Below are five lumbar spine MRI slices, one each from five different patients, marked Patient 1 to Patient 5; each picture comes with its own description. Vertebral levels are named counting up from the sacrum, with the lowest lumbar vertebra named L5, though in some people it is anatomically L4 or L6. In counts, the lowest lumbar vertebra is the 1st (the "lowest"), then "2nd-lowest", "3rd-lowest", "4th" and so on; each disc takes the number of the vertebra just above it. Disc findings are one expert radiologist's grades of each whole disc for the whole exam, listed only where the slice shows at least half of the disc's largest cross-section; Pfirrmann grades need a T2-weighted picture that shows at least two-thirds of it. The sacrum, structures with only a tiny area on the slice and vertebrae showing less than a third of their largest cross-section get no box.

Patient 1 of 5:
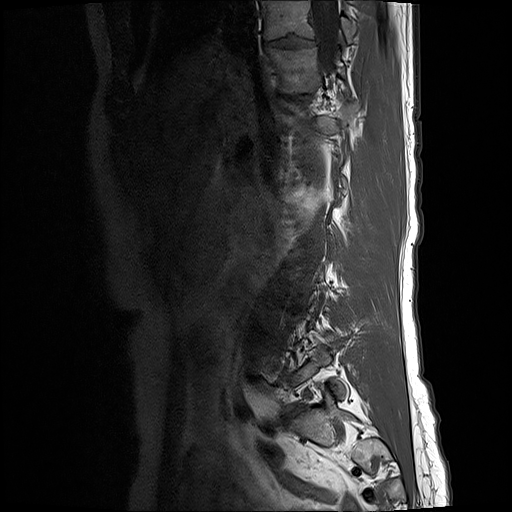

Field of view 300x300 mm | Sagittal slice index 22 | MRI lumbar spine (T1-weighted), sagittal plane
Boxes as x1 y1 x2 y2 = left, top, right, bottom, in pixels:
Spinal canal: 314 1 340 70.
Lowest disc: 285 407 300 420.
7th disc: 285 96 309 102.
8th vertebra: 261 1 350 42.
8th disc: 264 38 315 49.
7th vertebra: 268 48 344 94.

Degenerative findings by level:
- 8th disc: disc bulging, disc narrowing

Patient 2 of 5:
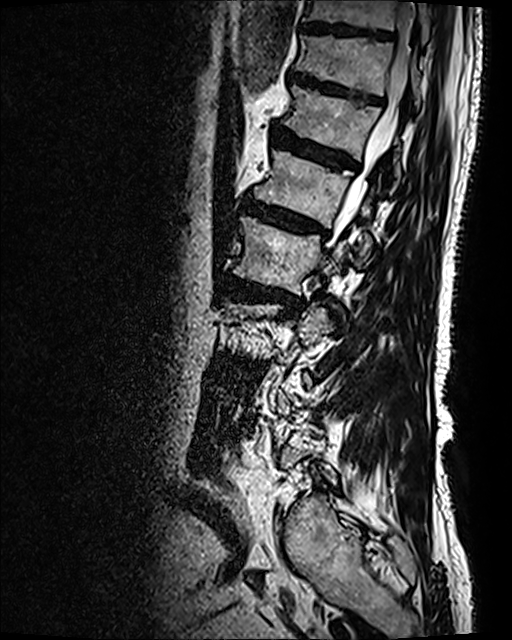 Lumbar spine MR, T2 SPACE (3D), sagittal | Slice 95 of 120
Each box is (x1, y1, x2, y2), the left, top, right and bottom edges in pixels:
{"intervertebral disc L2/L3": "(224, 274, 299, 309)", "T12": "(284, 85, 400, 177)", "spinal canal": "(335, 1, 413, 238)", "L1 vertebra": "(255, 151, 373, 252)", "L1/L2": "(243, 197, 328, 235)", "intervertebral disc T11/T12": "(289, 69, 383, 104)", "T10": "(303, 0, 429, 43)", "T11 vertebra": "(295, 36, 422, 108)", "L2 vertebra": "(233, 216, 347, 307)", "intervertebral disc T10/T11": "(301, 22, 392, 40)", "intervertebral disc T12/L1": "(272, 126, 359, 170)"}

Expert MSK radiologist gradings (per disc):
  L2/L3: Pfirrmann grade 4, Modic type I, disc narrowing, lower-endplate change, upper-endplate change, disc bulging
  T11/T12: Pfirrmann grade 4, lower-endplate change, disc bulging, upper-endplate change
  T10/T11: Pfirrmann grade 3
  L1/L2: Pfirrmann grade 4, lower-endplate change, Modic type II, disc bulging, upper-endplate change
  T12/L1: Pfirrmann grade 4, upper-endplate change, Modic type II, lower-endplate change, disc bulging

Patient 3 of 5:
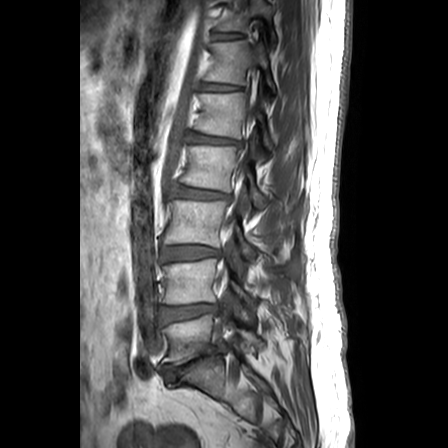 MRI lumbar spine (T1-weighted), sagittal plane | Sagittal slice index 8 | 448x448 px

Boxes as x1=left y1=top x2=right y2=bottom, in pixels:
- 6th disc — x1=203 y1=83 x2=238 y2=90
- 4th disc — x1=172 y1=186 x2=229 y2=199
- lowest disc — x1=164 y1=345 x2=225 y2=380
- 5th vertebra — x1=195 y1=91 x2=273 y2=149
- 5th disc — x1=189 y1=134 x2=237 y2=143
- 6th vertebra — x1=206 y1=35 x2=276 y2=93
- lowest vertebra — x1=164 y1=314 x2=263 y2=365
- 4th vertebra — x1=180 y1=130 x2=266 y2=208
- 7th disc — x1=213 y1=34 x2=238 y2=39
- spinal canal — x1=221 y1=100 x2=255 y2=278
- 7th vertebra — x1=218 y1=0 x2=276 y2=43
- 3rd-lowest vertebra — x1=164 y1=200 x2=256 y2=258
- 2nd-lowest disc — x1=163 y1=304 x2=217 y2=322
- 2nd-lowest vertebra — x1=163 y1=259 x2=255 y2=307
- 3rd-lowest disc — x1=163 y1=246 x2=218 y2=260

Degenerative findings by level:
- 5th disc: disc bulging, upper-endplate change, lower-endplate change, Modic type II
- 4th disc: disc bulging
- 3rd-lowest disc: disc bulging
- lowest disc: disc herniation, lower-endplate change, spondylolisthesis, upper-endplate change, disc narrowing, disc bulging, Modic type II
- 2nd-lowest disc: disc narrowing, disc bulging
- 7th disc, 6th disc: no herniation, bulging, narrowing, spondylolisthesis, endplate or Modic change recorded

Patient 4 of 5:
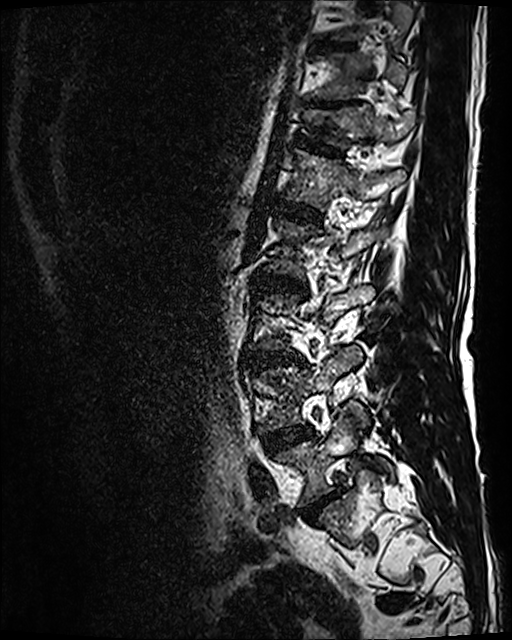 Sagittal T2 SPACE (3D) lumbar spine MRI
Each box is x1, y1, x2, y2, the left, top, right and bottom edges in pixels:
Disc T10/T11 = 327, 44, 348, 48.
Disc T11/T12 = 317, 101, 348, 106.
L5 vertebra = 277, 413, 391, 505.
L1 vertebra = 283, 150, 405, 209.
T12/L1 = 298, 137, 341, 156.
Disc L5/S1 = 302, 492, 338, 521.
Disc L1/L2 = 275, 203, 321, 223.
Disc L3/L4 = 250, 350, 301, 365.
L4/L5 = 264, 427, 312, 450.
T12 = 305, 107, 415, 148.
L4 vertebra = 261, 346, 361, 429.
T11 vertebra = 313, 53, 407, 98.
Disc L2/L3 = 254, 273, 306, 290.

Per-level radiological findings:
- L4/L5: Modic type II, disc bulging
- L1/L2: no herniation, bulging, narrowing, spondylolisthesis, endplate or Modic change recorded

Patient 5 of 5:
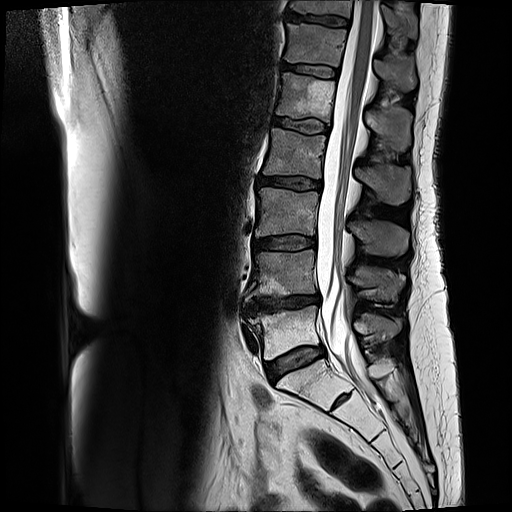
Sagittal T2-weighted lumbar spine MRI

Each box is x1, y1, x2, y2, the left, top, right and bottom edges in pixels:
{"6th vertebra": "286, 25, 416, 89", "4th disc": "258, 177, 321, 189", "5th vertebra": "277, 73, 413, 152", "thecal sac / spinal canal": "316, 0, 378, 371", "lowest vertebra": "247, 306, 401, 359", "7th vertebra": "290, 0, 417, 36", "lowest disc": "267, 346, 325, 382", "3rd-lowest disc": "255, 237, 315, 249", "4th vertebra": "264, 128, 411, 205", "5th disc": "272, 117, 328, 133", "2nd-lowest disc": "243, 295, 319, 314", "3rd-lowest vertebra": "256, 188, 409, 256", "6th disc": "283, 63, 338, 77", "2nd-lowest vertebra": "246, 250, 401, 300", "7th disc": "286, 12, 350, 25"}

Degenerative findings by level:
  lowest disc: Pfirrmann grade 3, disc bulging, Modic type II
  3rd-lowest disc: Pfirrmann grade 3, Modic type II, disc bulging
  4th disc: Pfirrmann grade 3, disc bulging, Modic type II
  6th disc: Pfirrmann grade 3, Modic type II
  2nd-lowest disc: Pfirrmann grade 4, disc narrowing, Modic type II, disc bulging, lower-endplate change, upper-endplate change
  7th disc: Pfirrmann grade 4, lower-endplate change, upper-endplate change, Modic type II
  5th disc: Pfirrmann grade 3, Modic type II